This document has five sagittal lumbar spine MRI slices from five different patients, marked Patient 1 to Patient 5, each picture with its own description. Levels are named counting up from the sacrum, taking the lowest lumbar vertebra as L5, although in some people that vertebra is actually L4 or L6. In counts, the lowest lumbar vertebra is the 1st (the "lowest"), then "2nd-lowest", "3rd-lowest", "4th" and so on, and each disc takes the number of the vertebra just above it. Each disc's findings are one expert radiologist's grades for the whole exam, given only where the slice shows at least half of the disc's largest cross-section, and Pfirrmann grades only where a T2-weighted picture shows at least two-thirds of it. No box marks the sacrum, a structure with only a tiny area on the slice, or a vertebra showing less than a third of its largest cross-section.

Patient 1 of 5:
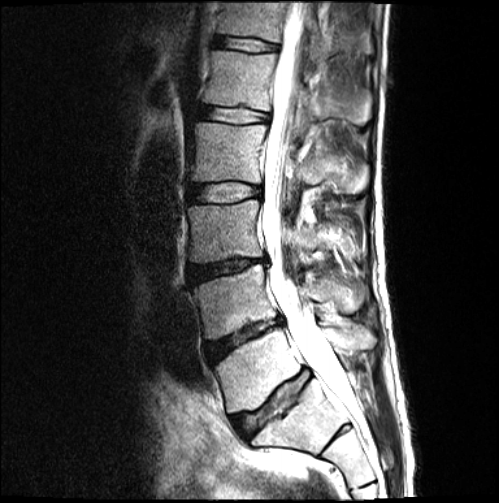 Slice 8 of 18 | Image 499x503 | MRI lumbar spine (T2-weighted), sagittal plane
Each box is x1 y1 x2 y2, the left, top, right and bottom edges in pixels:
Disc L5/S1: 233 369 308 435.
L4/L5: 204 318 281 363.
L2 vertebra: 191 122 367 192.
Disc L3/L4: 188 259 267 282.
L4: 194 263 359 338.
L1 vertebra: 203 51 367 127.
Thecal sac / spinal canal: 261 1 359 428.
Disc T12/L1: 214 35 278 52.
L2/L3: 188 182 260 202.
L3 vertebra: 187 200 317 261.
L5 vertebra: 216 323 376 412.
T12 vertebra: 218 2 329 65.
L1/L2: 196 105 269 123.

Degenerative findings by level:
  L5/S1: Pfirrmann grade 3, lower-endplate change, upper-endplate change, disc narrowing, disc bulging
  L1/L2: Pfirrmann grade 2
  T12/L1: Pfirrmann grade 2
  L2/L3: Pfirrmann grade 2
  L3/L4: Pfirrmann grade 4, disc bulging, disc narrowing, upper-endplate change, lower-endplate change
  L4/L5: Pfirrmann grade 4, upper-endplate change, lower-endplate change, disc narrowing, disc bulging

Patient 2 of 5:
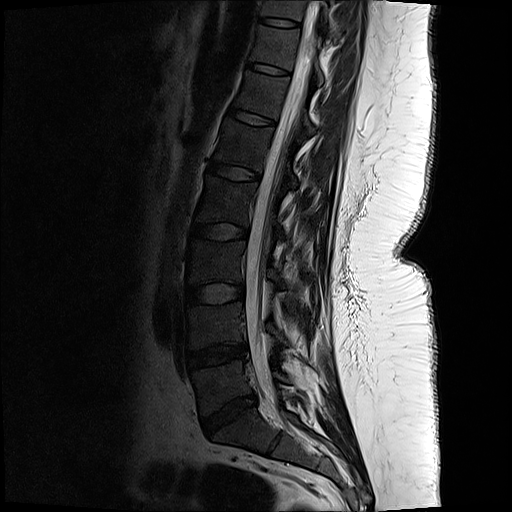 T2-weighted sagittal MRI of the lumbar spine

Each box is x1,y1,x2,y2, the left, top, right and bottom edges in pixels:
3rd-lowest disc = 184,284,242,305 | 6th disc = 228,106,277,127 | 4th vertebra = 196,176,286,237 | 4th disc = 189,222,249,241 | 7th vertebra = 252,27,325,85 | spinal canal = 244,1,320,395 | 7th disc = 247,62,290,77 | lowest vertebra = 191,361,289,415 | 3rd-lowest vertebra = 187,241,312,303 | 2nd-lowest disc = 184,344,242,369 | 6th vertebra = 235,71,316,133 | lowest disc = 200,396,254,432 | 8th disc = 260,17,302,29 | 8th vertebra = 261,0,332,22 | 5th vertebra = 217,119,298,188 | 5th disc = 206,162,262,183 | 2nd-lowest vertebra = 187,303,287,349

Radiological gradings:
  3rd-lowest disc: Pfirrmann grade 1
  5th disc: Pfirrmann grade 1
  4th disc: Pfirrmann grade 1
  lowest disc: Pfirrmann grade 4, disc bulging, disc narrowing
  7th disc: Pfirrmann grade 1
  2nd-lowest disc: Pfirrmann grade 3, disc bulging, disc narrowing
  8th disc: Pfirrmann grade 1
  6th disc: Pfirrmann grade 1

Patient 3 of 5:
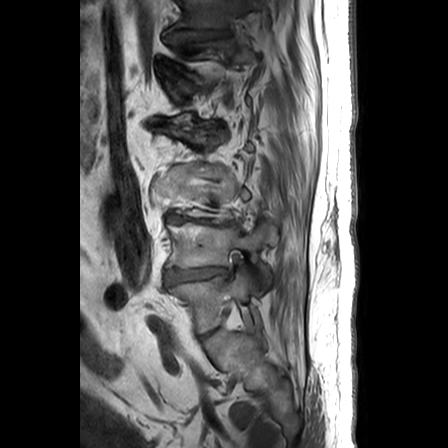 MRI lumbar spine (T1-weighted), sagittal plane, Slice 7/26, Image 448x448
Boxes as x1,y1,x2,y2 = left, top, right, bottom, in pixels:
Disc T11/T12 = 169,30,227,39.
L5 vertebra = 169,265,261,331.
Disc L4/L5 = 166,268,228,283.
T11 = 175,0,260,27.
Disc L3/L4 = 165,213,232,225.
L4 = 167,222,277,282.
Disc T12/L1 = 171,74,191,93.

Radiological gradings:
• L3/L4: disc narrowing, disc bulging, Modic type II, disc herniation
• L4/L5: disc herniation, disc narrowing, disc bulging, Modic type II
• T11/T12: disc bulging, upper-endplate change, disc narrowing

Patient 4 of 5:
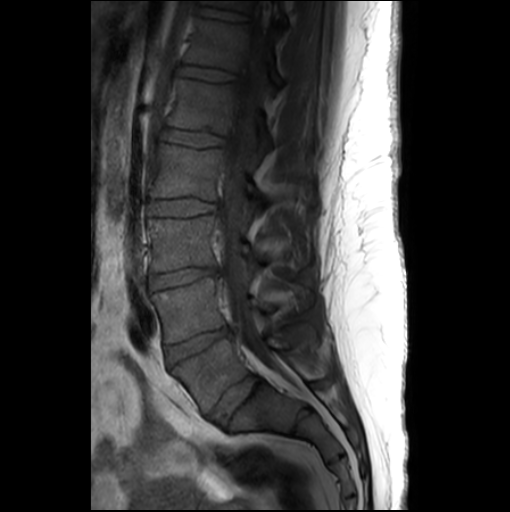 Slice 12/26; T1-weighted sagittal MRI of the lumbar spine
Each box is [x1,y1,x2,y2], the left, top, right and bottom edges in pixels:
L5/S1 = [208,375,263,426] | T11/T12 = [196,5,247,21] | L3 vertebra = [147,216,263,271] | L3/L4 = [148,267,216,291] | L1 = [167,77,270,150] | L4/L5 = [166,326,230,364] | L5 vertebra = [172,323,315,413] | IVD L1/L2 = [160,128,223,146] | IVD T12/L1 = [176,64,233,81] | L4 vertebra = [150,277,295,342] | T11 = [202,0,288,21] | L2/L3 = [148,198,214,216] | T12 vertebra = [183,18,279,87] | L2 vertebra = [150,143,265,203] | thecal sac / spinal canal = [217,30,284,372]

Per-level radiological findings:
• L4/L5: disc bulging, disc narrowing
• L5/S1: disc bulging
• L3/L4: disc narrowing, disc bulging
• T12/L1, L1/L2, T11/T12, L2/L3: no spondylolisthesis, narrowing, bulging, herniation, Modic or endplate change recorded

Patient 5 of 5:
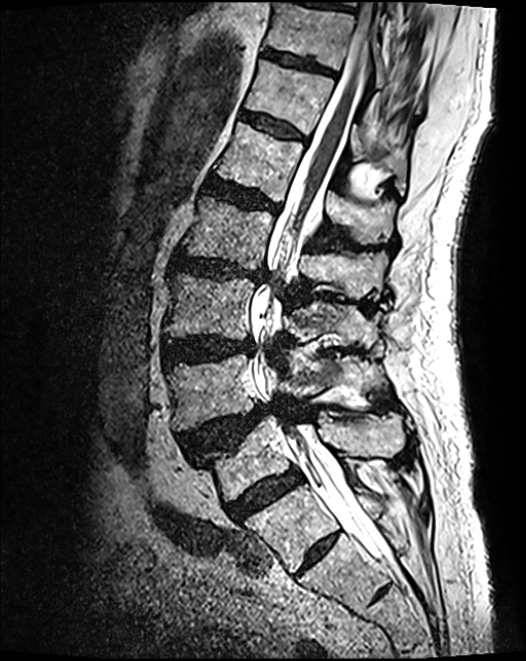 Sagittal slice index 63 | Lumbar spine MR, T2 SPACE (3D), sagittal
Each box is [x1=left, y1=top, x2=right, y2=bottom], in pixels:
2nd-lowest disc at [x1=180, y1=405, x2=273, y2=460], lowest disc at [x1=227, y1=472, x2=301, y2=521], 6th disc at [x1=239, y1=112, x2=304, y2=141], 5th disc at [x1=205, y1=178, x2=280, y2=213], 4th vertebra at [x1=181, y1=197, x2=386, y2=300], 7th vertebra at [x1=266, y1=3, x2=385, y2=87], 7th disc at [x1=262, y1=48, x2=335, y2=74], 3rd-lowest vertebra at [x1=165, y1=274, x2=378, y2=345], 5th vertebra at [x1=216, y1=123, x2=394, y2=243], 6th vertebra at [x1=246, y1=61, x2=407, y2=189], spinal canal at [x1=251, y1=2, x2=388, y2=564], 4th disc at [x1=171, y1=252, x2=267, y2=283], 3rd-lowest disc at [x1=162, y1=338, x2=254, y2=365], lowest vertebra at [x1=201, y1=416, x2=402, y2=502], 2nd-lowest vertebra at [x1=166, y1=355, x2=377, y2=432].

Expert MSK radiologist gradings (per disc):
• 3rd-lowest disc: Pfirrmann grade 4, disc bulging
• lowest disc: Pfirrmann grade 4
• 7th disc: Pfirrmann grade 3, lower-endplate change
• 6th disc: Pfirrmann grade 3
• 4th disc: Pfirrmann grade 4, disc bulging, disc narrowing, lower-endplate change, upper-endplate change
• 2nd-lowest disc: Pfirrmann grade 4, disc herniation, spondylolisthesis, upper-endplate change
• 5th disc: Pfirrmann grade 4, disc bulging, lower-endplate change, upper-endplate change